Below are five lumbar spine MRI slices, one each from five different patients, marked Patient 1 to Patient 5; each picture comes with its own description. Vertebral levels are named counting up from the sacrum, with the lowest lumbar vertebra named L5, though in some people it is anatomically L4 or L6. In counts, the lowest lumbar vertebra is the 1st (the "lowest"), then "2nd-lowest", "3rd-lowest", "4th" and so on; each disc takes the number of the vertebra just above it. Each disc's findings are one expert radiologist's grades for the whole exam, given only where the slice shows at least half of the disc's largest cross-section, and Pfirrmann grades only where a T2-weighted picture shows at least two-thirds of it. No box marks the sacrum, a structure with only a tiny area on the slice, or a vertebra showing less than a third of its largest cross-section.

Patient 1 of 5:
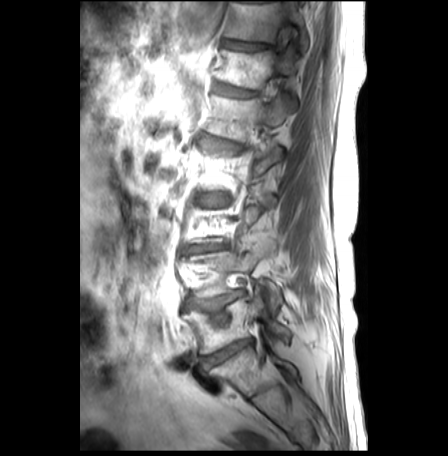 MRI lumbar spine (T1-weighted), sagittal plane; 448x456 px

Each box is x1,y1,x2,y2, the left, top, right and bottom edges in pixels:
* 5th disc: 198,133,239,151
* 2nd-lowest vertebra: 183,252,282,311
* lowest disc: 201,340,251,369
* 7th vertebra: 225,3,307,55
* 6th vertebra: 217,45,298,90
* 6th disc: 216,86,255,98
* 5th vertebra: 207,97,293,142
* 3rd-lowest disc: 189,245,222,252
* 4th disc: 203,195,228,203
* 2nd-lowest disc: 186,290,244,314
* lowest vertebra: 184,287,289,354
* 7th disc: 221,41,272,52

Expert MSK radiologist gradings (per disc):
- 7th disc: upper-endplate change, Modic type II, lower-endplate change
- 2nd-lowest disc: upper-endplate change, disc bulging, Modic type II, lower-endplate change
- 5th disc: upper-endplate change, disc bulging, lower-endplate change, Modic type II
- lowest disc: disc narrowing, disc bulging, Modic type II
- 6th disc: lower-endplate change, upper-endplate change, Modic type II, disc bulging

Patient 2 of 5:
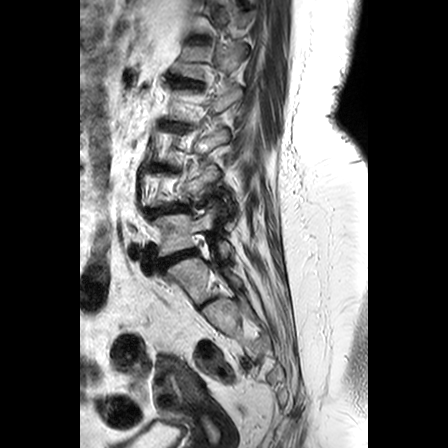

Field of view 280x280 mm, Sagittal T2-weighted lumbar spine MRI

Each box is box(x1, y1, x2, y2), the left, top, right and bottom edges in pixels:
T12 = box(195, 3, 253, 33).
L1 = box(182, 42, 244, 79).
L4/L5 = box(147, 206, 189, 217).
Disc L1/L2 = box(179, 80, 202, 87).
Disc L5/S1 = box(157, 249, 196, 271).
L5 vertebra = box(150, 209, 232, 257).

Radiological gradings:
- L5/S1: disc bulging

Patient 3 of 5:
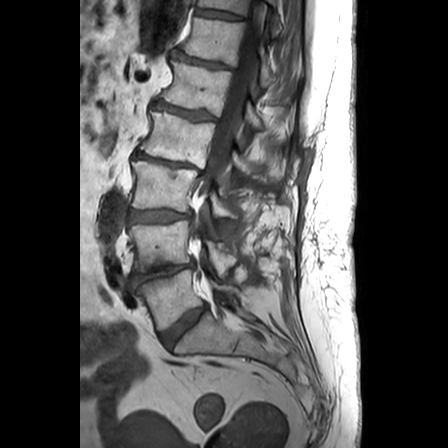 T1-weighted sagittal MRI of the lumbar spine
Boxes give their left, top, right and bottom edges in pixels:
7th vertebra at left=198, top=0, right=280, bottom=35.
Spinal canal at left=198, top=11, right=261, bottom=216.
4th vertebra at left=141, top=111, right=280, bottom=180.
7th disc at left=195, top=9, right=241, bottom=20.
Lowest vertebra at left=137, top=270, right=238, bottom=331.
6th disc at left=173, top=54, right=228, bottom=68.
3rd-lowest vertebra at left=132, top=161, right=238, bottom=218.
6th vertebra at left=182, top=18, right=275, bottom=86.
5th disc at left=154, top=102, right=215, bottom=120.
3rd-lowest disc at left=129, top=210, right=190, bottom=224.
Lowest disc at left=160, top=305, right=207, bottom=347.
2nd-lowest disc at left=133, top=263, right=193, bottom=284.
2nd-lowest vertebra at left=129, top=220, right=237, bottom=276.
4th disc at left=132, top=151, right=203, bottom=174.
5th vertebra at left=161, top=60, right=265, bottom=129.

Expert MSK radiologist gradings (per disc):
- 2nd-lowest disc: disc narrowing, disc bulging
- 3rd-lowest disc: disc bulging
- 4th disc: disc bulging, spondylolisthesis, Modic type II, disc narrowing
- lowest disc: disc bulging
- 6th disc: disc narrowing
- 5th disc: disc narrowing, Modic type II
- 7th disc: no Modic or endplate change, herniation, narrowing, bulging or spondylolisthesis recorded

Patient 4 of 5:
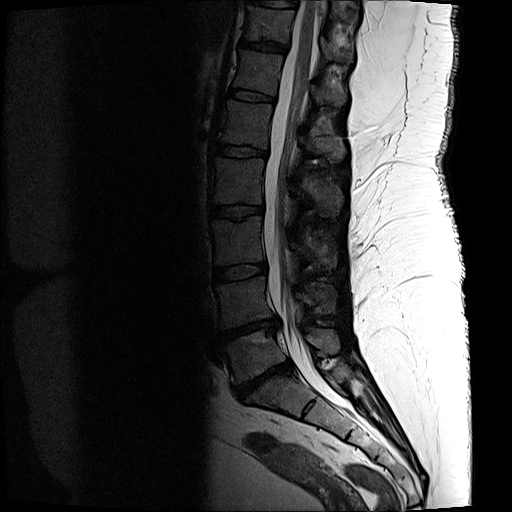 MRI lumbar spine (T2-weighted), sagittal plane, Patient sex: F

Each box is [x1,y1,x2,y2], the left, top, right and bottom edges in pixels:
Annotations:
* 2nd-lowest disc at [220,317,280,341]
* 5th vertebra at [222,100,346,160]
* 3rd-lowest vertebra at [211,216,337,267]
* lowest disc at [234,361,292,400]
* 5th disc at [217,143,266,156]
* 6th vertebra at [234,50,347,106]
* 4th disc at [211,205,262,217]
* 7th vertebra at [245,5,352,63]
* lowest vertebra at [224,327,340,384]
* 4th vertebra at [213,157,342,214]
* 3rd-lowest disc at [214,264,266,281]
* 2nd-lowest vertebra at [215,276,336,328]
* 7th disc at [240,40,285,52]
* 6th disc at [230,89,274,101]
* thecal sac / spinal canal at [263,0,343,406]

Expert MSK radiologist gradings (per disc):
- 2nd-lowest disc: Pfirrmann grade 5, disc narrowing, upper-endplate change, disc herniation, lower-endplate change, Modic type II
- 3rd-lowest disc: Pfirrmann grade 3
- lowest disc: Pfirrmann grade 5, upper-endplate change, disc herniation, disc narrowing, lower-endplate change, Modic type II
- 5th disc: Pfirrmann grade 3, lower-endplate change
- 4th disc: Pfirrmann grade 3, lower-endplate change, upper-endplate change
- 7th disc: Pfirrmann grade 3, lower-endplate change
- 6th disc: Pfirrmann grade 3

Patient 5 of 5:
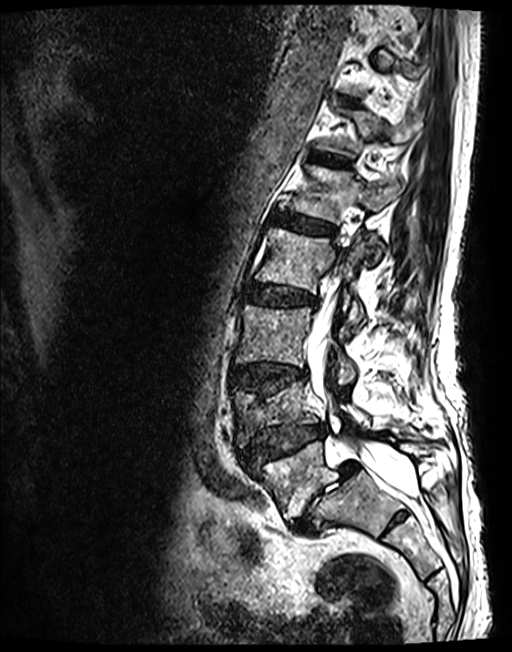 Image 512x652 | Lumbar spine MR, T2 SPACE (3D), sagittal | Slice spacing 0.9 mm | Patient sex: M

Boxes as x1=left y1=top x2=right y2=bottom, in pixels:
{"disc L2/L3": "x1=247 y1=284 x2=316 y2=306", "L3/L4": "x1=232 y1=363 x2=306 y2=395", "L1 vertebra": "x1=291 y1=165 x2=402 y2=258", "L3 vertebra": "x1=236 y1=305 x2=355 y2=384", "L1/L2": "x1=275 y1=213 x2=334 y2=235", "L5 vertebra": "x1=253 y1=442 x2=431 y2=519", "L2": "x1=255 y1=228 x2=366 y2=332", "L4/L5": "x1=241 y1=425 x2=325 y2=467", "T12": "x1=317 y1=111 x2=421 y2=155", "T12/L1": "x1=309 y1=152 x2=350 y2=166", "disc L5/S1": "x1=290 y1=461 x2=358 y2=535", "thecal sac / spinal canal": "x1=307 y1=286 x2=415 y2=496", "L4 vertebra": "x1=231 y1=383 x2=370 y2=446"}

Expert MSK radiologist gradings (per disc):
  L2/L3: Pfirrmann grade 3, disc bulging
  L5/S1: Pfirrmann grade 5, spondylolisthesis, Modic type II, disc herniation, disc narrowing
  L3/L4: Pfirrmann grade 3, disc bulging, lower-endplate change, upper-endplate change
  L4/L5: Pfirrmann grade 3, upper-endplate change, disc narrowing, lower-endplate change, disc herniation, spondylolisthesis
  L1/L2: Pfirrmann grade 3